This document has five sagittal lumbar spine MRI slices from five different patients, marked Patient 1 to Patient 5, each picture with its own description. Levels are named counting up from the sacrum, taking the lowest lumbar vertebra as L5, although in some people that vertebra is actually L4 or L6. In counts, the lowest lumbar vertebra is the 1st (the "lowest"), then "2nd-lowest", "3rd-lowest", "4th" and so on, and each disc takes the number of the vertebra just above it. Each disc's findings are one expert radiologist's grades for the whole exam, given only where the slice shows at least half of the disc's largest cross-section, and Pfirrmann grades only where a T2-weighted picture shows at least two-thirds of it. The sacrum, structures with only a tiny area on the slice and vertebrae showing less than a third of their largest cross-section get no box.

Patient 1 of 5:
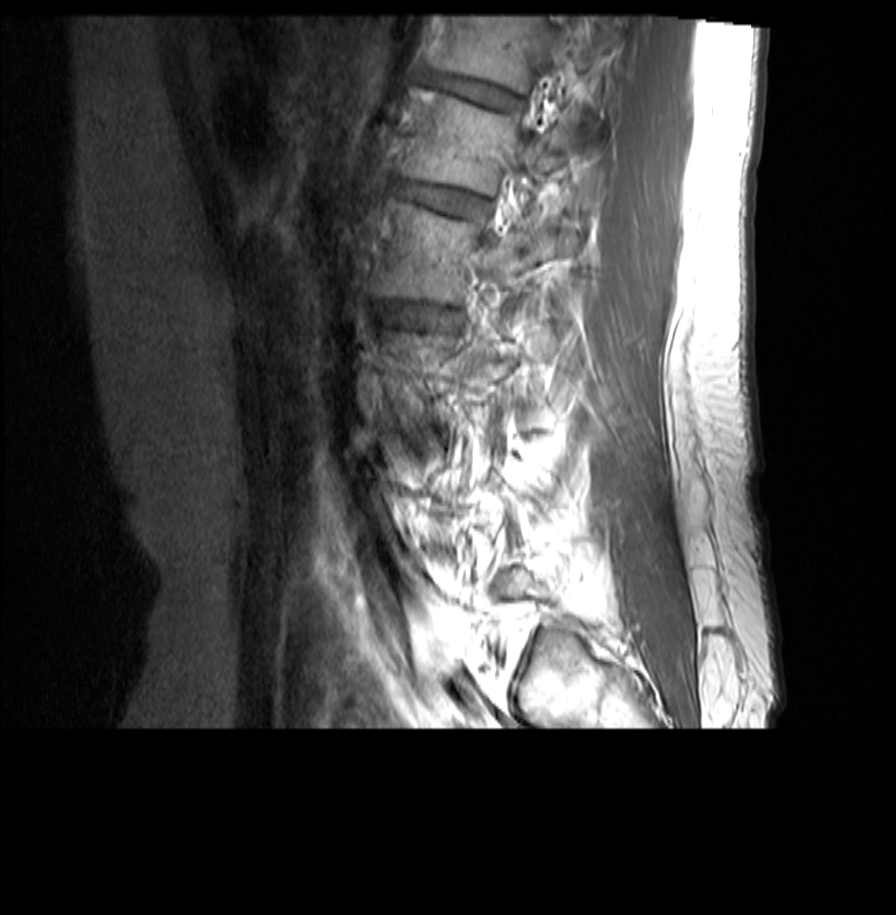 Patient sex: F; Sagittal T1-weighted lumbar spine MRI; 896x915 px
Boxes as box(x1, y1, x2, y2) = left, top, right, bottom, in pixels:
Annotations:
* 5th disc: box(402, 184, 485, 216)
* 4th vertebra: box(380, 200, 564, 305)
* 5th vertebra: box(407, 89, 576, 194)
* 4th disc: box(384, 306, 459, 327)
* 6th disc: box(432, 75, 519, 107)
* 6th vertebra: box(437, 17, 585, 91)

Per-level radiological findings:
  4th disc, 5th disc, 6th disc: no herniation, bulging, narrowing, spondylolisthesis, endplate or Modic change recorded

Patient 2 of 5:
T2-weighted sagittal MRI of the lumbar spine. 384x384 px. 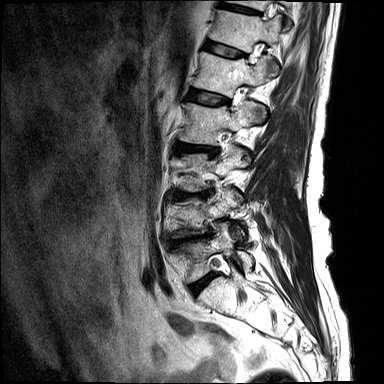

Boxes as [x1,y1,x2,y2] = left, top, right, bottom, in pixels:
T12 vertebra: [210,10,282,76].
T11 vertebra: [227,0,290,9].
L2: [181,101,265,145].
L2/L3: [178,143,215,151].
Disc L1/L2: [187,88,228,105].
T11/T12: [220,1,257,13].
L5: [187,222,252,281].
Disc L5/S1: [192,274,214,295].
L1: [194,52,271,96].
T12/L1: [204,40,246,58].

Degenerative findings by level:
- T12/L1: Pfirrmann grade 3
- L2/L3: upper-endplate change, disc bulging, lower-endplate change, disc narrowing, Modic type II
- T11/T12: Pfirrmann grade 3, lower-endplate change, upper-endplate change
- L1/L2: Pfirrmann grade 3

Patient 3 of 5:
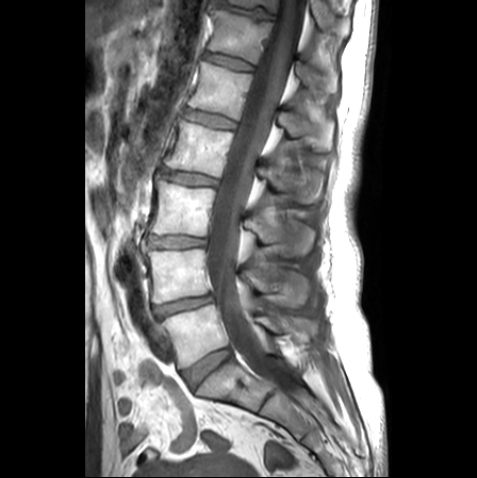 Sex F; T1-weighted sagittal MRI of the lumbar spine
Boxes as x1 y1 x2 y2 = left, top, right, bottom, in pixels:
{"L4 vertebra": "147 249 310 305", "T12": "209 9 338 92", "spinal canal": "207 0 303 388", "L2 vertebra": "165 119 323 203", "IVD L1/L2": "185 108 236 128", "L5 vertebra": "162 304 317 368", "IVD L4/L5": "153 294 213 318", "L5/S1": "182 348 230 388", "IVD L2/L3": "162 168 217 186", "IVD T11/T12": "211 0 274 19", "L3": "150 175 315 255", "L1 vertebra": "188 62 333 149", "IVD L3/L4": "149 236 206 247", "IVD T12/L1": "204 52 252 69", "T11 vertebra": "220 0 347 34"}

Per-level radiological findings:
  T11/T12: upper-endplate change, disc narrowing, lower-endplate change
  L4/L5: disc narrowing, disc bulging, lower-endplate change, upper-endplate change
  L1/L2: upper-endplate change, lower-endplate change
  T12/L1: upper-endplate change, lower-endplate change
  L3/L4: disc bulging, disc narrowing
  L2/L3: disc bulging, upper-endplate change, lower-endplate change
  L5/S1: no herniation, bulging, narrowing, spondylolisthesis, endplate or Modic change recorded

Patient 4 of 5:
Lumbar spine MR, T1-weighted, sagittal; Slice spacing 4.8 mm
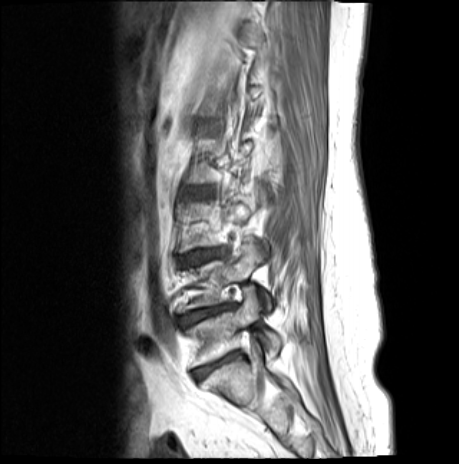

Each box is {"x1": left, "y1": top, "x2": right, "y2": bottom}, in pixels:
Lowest disc — {"x1": 194, "y1": 352, "x2": 240, "y2": 379}.
2nd-lowest disc — {"x1": 179, "y1": 306, "x2": 230, "y2": 326}.
Lowest vertebra — {"x1": 186, "y1": 285, "x2": 281, "y2": 365}.
2nd-lowest vertebra — {"x1": 178, "y1": 241, "x2": 270, "y2": 312}.
3rd-lowest disc — {"x1": 185, "y1": 250, "x2": 217, "y2": 263}.

Radiological gradings:
  3rd-lowest disc: disc narrowing, upper-endplate change, disc bulging, Modic type II, lower-endplate change
  2nd-lowest disc: lower-endplate change, upper-endplate change, Modic type II, disc narrowing, disc bulging
  lowest disc: lower-endplate change, upper-endplate change, disc narrowing, disc bulging, Modic type II

Patient 5 of 5:
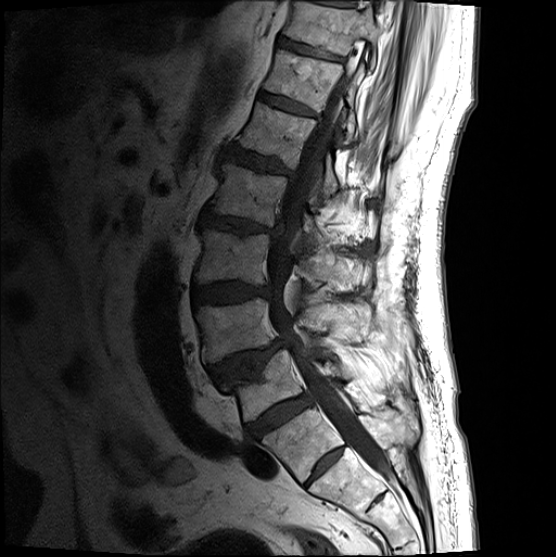

Slice 9/20, T1-weighted sagittal MRI of the lumbar spine, Slice spacing 3.3 mm

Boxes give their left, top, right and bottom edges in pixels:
L2 (4th vertebra) — left=208, top=164, right=326, bottom=246.
L3 (3rd-lowest vertebra) — left=194, top=230, right=354, bottom=294.
L5 (lowest vertebra) — left=225, top=351, right=382, bottom=437.
Intervertebral disc L2/L3 (4th disc) — left=200, top=212, right=282, bottom=239.
L5/S1 (lowest disc) — left=246, top=396, right=312, bottom=439.
L4 (2nd-lowest vertebra) — left=195, top=300, right=369, bottom=365.
Intervertebral disc T11/T12 (7th disc) — left=278, top=40, right=342, bottom=62.
L1 (5th vertebra) — left=239, top=104, right=338, bottom=204.
T12 (6th vertebra) — left=264, top=52, right=364, bottom=144.
Intervertebral disc L4/L5 (2nd-lowest disc) — left=208, top=341, right=289, bottom=386.
T11 (7th vertebra) — left=283, top=0, right=381, bottom=71.
T12/L1 (6th disc) — left=259, top=94, right=317, bottom=118.
Spinal canal — left=268, top=88, right=388, bottom=478.
L1/L2 (5th disc) — left=227, top=148, right=294, bottom=179.
L3/L4 (3rd-lowest disc) — left=192, top=283, right=270, bottom=307.

Degenerative findings by level:
  L4/L5 (2nd-lowest disc): disc herniation, upper-endplate change, spondylolisthesis
  L3/L4 (3rd-lowest disc): disc bulging
  L1/L2 (5th disc): upper-endplate change, lower-endplate change, disc bulging
  L2/L3 (4th disc): lower-endplate change, disc narrowing, disc bulging, upper-endplate change
  T11/T12 (7th disc): lower-endplate change
  T12/L1 (6th disc), L5/S1 (lowest disc): no herniation, bulging, narrowing, spondylolisthesis, endplate or Modic change recorded